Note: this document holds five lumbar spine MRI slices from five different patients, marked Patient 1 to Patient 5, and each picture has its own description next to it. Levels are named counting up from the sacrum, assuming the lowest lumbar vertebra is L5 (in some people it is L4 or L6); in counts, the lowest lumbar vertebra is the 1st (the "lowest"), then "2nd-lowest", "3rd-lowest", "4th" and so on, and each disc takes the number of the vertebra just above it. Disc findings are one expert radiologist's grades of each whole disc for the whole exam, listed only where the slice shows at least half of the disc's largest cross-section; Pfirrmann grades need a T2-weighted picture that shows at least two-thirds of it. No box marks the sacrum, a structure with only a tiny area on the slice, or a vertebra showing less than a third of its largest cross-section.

Patient 1 of 5:
MRI lumbar spine (T2-weighted), sagittal plane
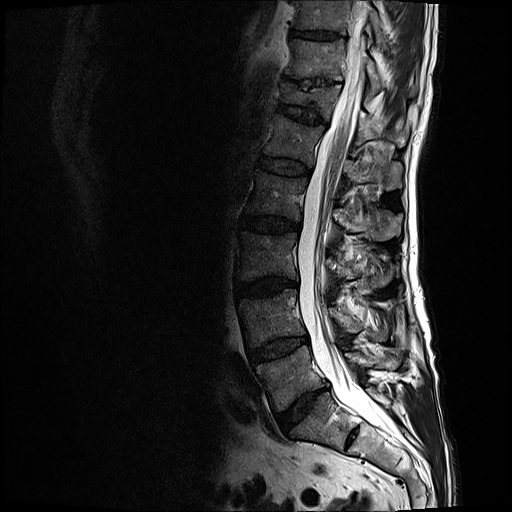
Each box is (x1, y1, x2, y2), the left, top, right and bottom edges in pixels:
* IVD L5/S1: (276, 388, 325, 433)
* IVD T10/T11: (291, 29, 339, 38)
* L1: (264, 112, 403, 190)
* T12 vertebra: (281, 81, 409, 146)
* L5: (256, 345, 402, 410)
* T10: (294, 0, 385, 43)
* L2/L3: (241, 215, 299, 232)
* T12/L1: (278, 101, 327, 123)
* thecal sac / spinal canal: (297, 0, 384, 426)
* L3 vertebra: (237, 230, 399, 286)
* L4/L5: (249, 337, 307, 360)
* L4: (239, 287, 388, 346)
* T11 vertebra: (286, 38, 417, 94)
* L1/L2: (258, 155, 309, 174)
* IVD L3/L4: (236, 278, 297, 296)
* IVD T11/T12: (302, 79, 333, 87)
* L2: (246, 171, 402, 240)

Radiological gradings:
  L2/L3: Pfirrmann grade 3, disc bulging, Modic type II
  T11/T12: lower-endplate change, upper-endplate change, disc narrowing
  L3/L4: Pfirrmann grade 4, Modic type II, disc bulging, disc narrowing
  L1/L2: Pfirrmann grade 3
  L4/L5: Pfirrmann grade 3, Modic type II, disc bulging
  T10/T11: Pfirrmann grade 3
  T12/L1: Pfirrmann grade 3, upper-endplate change, lower-endplate change
  L5/S1: Pfirrmann grade 4, disc bulging, disc narrowing

Patient 2 of 5:
Sagittal slice index 63 | Sagittal T2 SPACE (3D) lumbar spine MRI 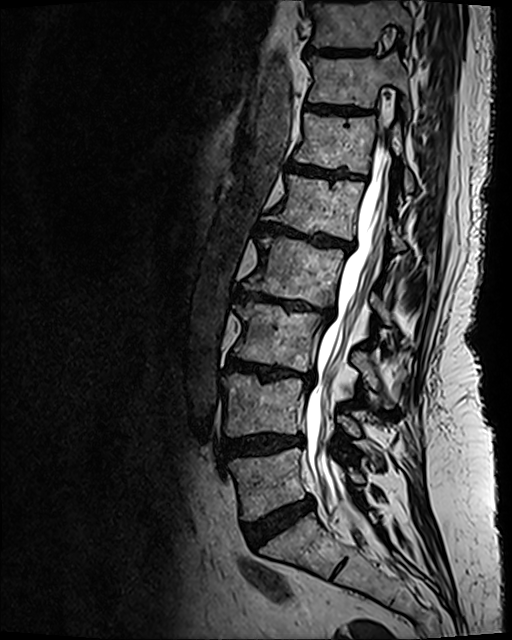 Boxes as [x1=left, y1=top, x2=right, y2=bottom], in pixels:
{"lowest vertebra": "[x1=228, y1=448, x2=364, y2=520]", "lowest disc": "[x1=244, y1=497, x2=314, y2=548]", "2nd-lowest disc": "[x1=221, y1=434, x2=303, y2=460]", "thecal sac / spinal canal": "[x1=305, y1=131, x2=390, y2=535]", "8th vertebra": "[x1=313, y1=0, x2=410, y2=47]", "3rd-lowest disc": "[x1=226, y1=357, x2=314, y2=382]", "4th vertebra": "[x1=244, y1=236, x2=390, y2=322]", "7th disc": "[x1=306, y1=106, x2=355, y2=114]", "6th vertebra": "[x1=294, y1=113, x2=413, y2=191]", "6th disc": "[x1=289, y1=162, x2=357, y2=178]", "7th vertebra": "[x1=308, y1=54, x2=409, y2=112]", "4th disc": "[x1=237, y1=291, x2=333, y2=314]", "5th disc": "[x1=257, y1=224, x2=353, y2=250]", "2nd-lowest vertebra": "[x1=222, y1=373, x2=360, y2=435]", "3rd-lowest vertebra": "[x1=234, y1=302, x2=392, y2=406]", "8th disc": "[x1=308, y1=48, x2=368, y2=55]", "5th vertebra": "[x1=265, y1=175, x2=406, y2=249]"}

Degenerative findings by level:
• lowest disc: Pfirrmann grade 4, disc bulging
• 7th disc: Pfirrmann grade 4, upper-endplate change, lower-endplate change
• 6th disc: Pfirrmann grade 4, Modic type II, upper-endplate change, lower-endplate change
• 3rd-lowest disc: Pfirrmann grade 5, disc bulging, lower-endplate change, disc narrowing, Modic type II, upper-endplate change
• 2nd-lowest disc: Pfirrmann grade 4, lower-endplate change, disc bulging, upper-endplate change
• 8th disc: Pfirrmann grade 4, upper-endplate change, lower-endplate change
• 5th disc: Pfirrmann grade 5, upper-endplate change, disc narrowing, disc bulging, lower-endplate change, Modic type II

Patient 3 of 5:
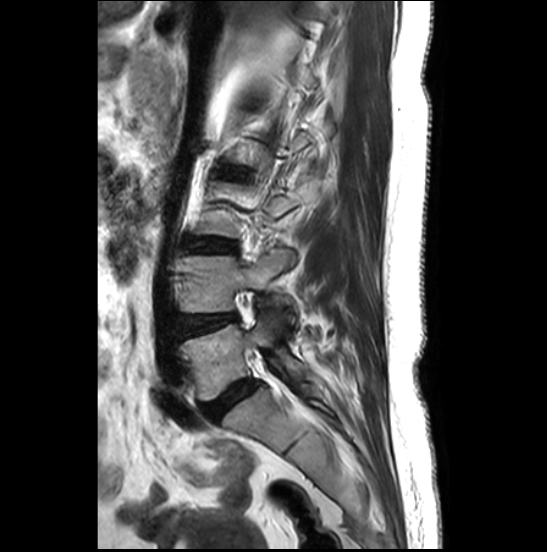

Sagittal slice index 8, Sagittal T2-weighted lumbar spine MRI, Image 547x552
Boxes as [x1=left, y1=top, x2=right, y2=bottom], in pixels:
• L5 vertebra: [x1=180, y1=312, x2=303, y2=400]
• L4: [x1=177, y1=248, x2=296, y2=327]
• L4/L5: [x1=180, y1=314, x2=236, y2=335]
• L3/L4: [x1=186, y1=239, x2=235, y2=251]
• intervertebral disc L5/S1: [x1=203, y1=380, x2=257, y2=419]

Expert MSK radiologist gradings (per disc):
• L4/L5: Pfirrmann grade 3, disc bulging
• L5/S1: Pfirrmann grade 4, disc bulging
• L3/L4: Pfirrmann grade 4, disc bulging

Patient 4 of 5:
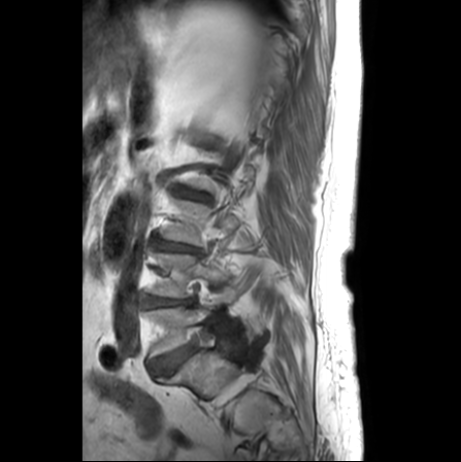
Sagittal T1-weighted lumbar spine MRI
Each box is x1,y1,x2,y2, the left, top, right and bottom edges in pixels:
Annotations:
• lowest disc: 153,346,195,374
• 3rd-lowest disc: 157,240,198,252
• 4th disc: 179,187,210,200
• lowest vertebra: 143,306,211,356
• 2nd-lowest disc: 144,295,193,306

Expert MSK radiologist gradings (per disc):
- lowest disc: Modic type II
- 3rd-lowest disc: Modic type II, disc narrowing, lower-endplate change, upper-endplate change
- 4th disc: upper-endplate change, disc narrowing, lower-endplate change

Patient 5 of 5:
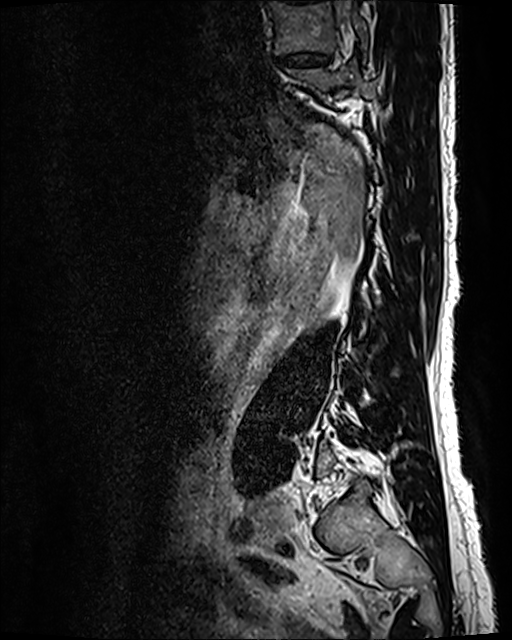
MRI lumbar spine (T2 SPACE (3D)), sagittal plane

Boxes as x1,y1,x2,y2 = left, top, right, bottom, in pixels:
thecal sac / spinal canal: 337,2,350,20
8th disc: 280,53,328,67
8th vertebra: 269,2,367,54

Radiological gradings:
• 8th disc: Pfirrmann grade 3, disc narrowing, disc bulging